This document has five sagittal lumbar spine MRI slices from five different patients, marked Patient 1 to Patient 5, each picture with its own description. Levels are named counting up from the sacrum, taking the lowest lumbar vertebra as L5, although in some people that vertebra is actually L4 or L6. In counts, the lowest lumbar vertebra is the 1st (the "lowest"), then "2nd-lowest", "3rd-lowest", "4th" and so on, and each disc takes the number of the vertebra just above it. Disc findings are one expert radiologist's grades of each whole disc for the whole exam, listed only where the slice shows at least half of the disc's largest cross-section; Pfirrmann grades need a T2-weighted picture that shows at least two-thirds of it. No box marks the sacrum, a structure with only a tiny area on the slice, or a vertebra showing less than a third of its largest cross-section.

Patient 1 of 5:
T2 SPACE (3D) sagittal MRI of the lumbar spine, Sex F
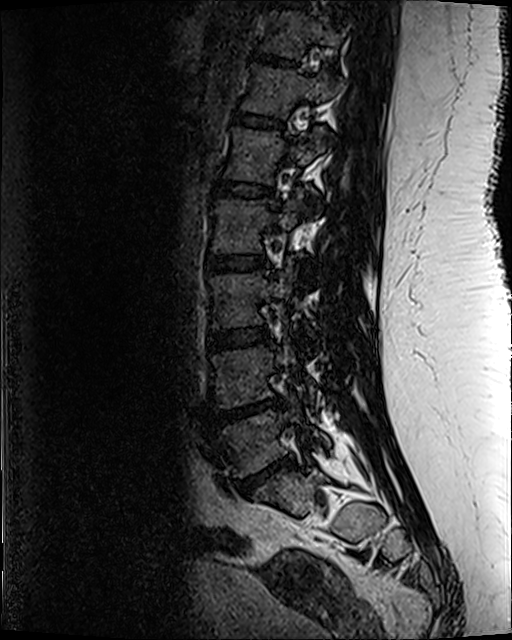

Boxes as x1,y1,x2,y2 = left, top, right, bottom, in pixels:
- L4 vertebra: 213,339,317,410
- L3/L4: 209,328,269,350
- IVD L2/L3: 208,256,266,272
- L2: 212,192,316,252
- T12 vertebra: 243,65,343,116
- T11/T12: 255,55,286,63
- T12/L1: 235,112,282,127
- T10/T11: 271,0,305,8
- T11 vertebra: 263,11,345,57
- L4/L5: 219,401,278,422
- L1 vertebra: 224,128,331,184
- IVD L1/L2: 214,182,269,197
- L3 vertebra: 211,260,312,334
- IVD L5/S1: 239,460,292,491
- L5 vertebra: 213,401,330,475

Degenerative findings by level:
- L2/L3: Pfirrmann grade 3, upper-endplate change, lower-endplate change
- T12/L1: Pfirrmann grade 3
- L5/S1: Modic type II, upper-endplate change, disc narrowing, disc herniation, lower-endplate change
- L1/L2: Pfirrmann grade 3, lower-endplate change
- L3/L4: Pfirrmann grade 3

Patient 2 of 5:
Sagittal T1-weighted lumbar spine MRI, Field of view 300x301 mm

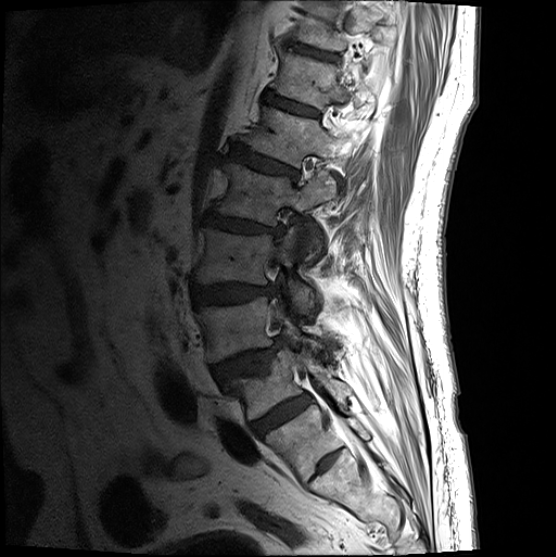
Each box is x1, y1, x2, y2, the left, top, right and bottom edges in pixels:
5th vertebra at 244, 109, 356, 169.
5th disc at 230, 148, 299, 181.
4th disc at 203, 213, 284, 238.
Lowest disc at 250, 396, 311, 438.
7th disc at 300, 48, 337, 62.
4th vertebra at 215, 164, 338, 263.
3rd-lowest disc at 192, 286, 275, 306.
3rd-lowest vertebra at 193, 229, 314, 314.
Lowest vertebra at 227, 349, 349, 422.
2nd-lowest disc at 213, 338, 286, 386.
2nd-lowest vertebra at 196, 299, 322, 364.
6th vertebra at 277, 56, 372, 111.
6th disc at 266, 96, 319, 118.

Radiological gradings:
- 7th disc: lower-endplate change
- 2nd-lowest disc: spondylolisthesis, disc herniation, upper-endplate change
- 3rd-lowest disc: disc bulging
- 4th disc: upper-endplate change, disc bulging, disc narrowing, lower-endplate change
- 5th disc: upper-endplate change, disc bulging, lower-endplate change
- lowest disc, 6th disc: no herniation, bulging, narrowing, spondylolisthesis, endplate or Modic change recorded

Patient 3 of 5:
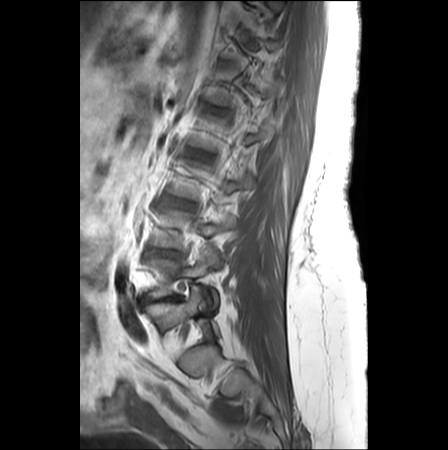 Sex F, MRI lumbar spine (T1-weighted), sagittal plane, Field of view 280x282 mm, slice spacing 3.3 mm
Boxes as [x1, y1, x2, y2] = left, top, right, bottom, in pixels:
L4/L5 (2nd-lowest disc): [146, 248, 178, 256]
IVD L3/L4 (3rd-lowest disc): [163, 196, 193, 206]
L2/L3 (4th disc): [189, 151, 208, 159]
L5/S1 (lowest disc): [137, 294, 180, 304]
L4 (2nd-lowest vertebra): [152, 211, 234, 248]
L5 (lowest vertebra): [139, 250, 221, 307]

Per-level radiological findings:
- L5/S1 (lowest disc): disc narrowing, disc bulging, spondylolisthesis, Modic type II

Patient 4 of 5:
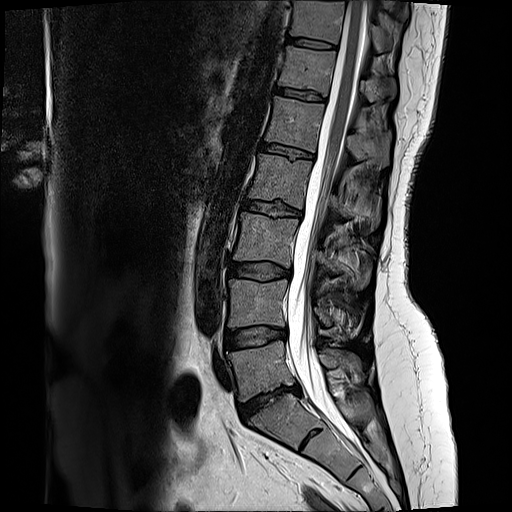 Slice 8/17; T2-weighted sagittal MRI of the lumbar spine
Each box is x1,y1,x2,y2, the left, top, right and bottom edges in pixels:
{"L4 vertebra": "228,280,357,338", "L5": "229,342,361,399", "T11": "292,1,385,50", "disc L4/L5": "225,328,285,350", "spinal canal": "286,1,366,441", "L3": "233,214,370,290", "L2/L3": "243,199,301,216", "L1": "266,97,392,168", "L1/L2": "262,143,313,158", "L3/L4": "230,263,290,279", "T11/T12": "288,39,334,49", "T12/L1": "277,87,325,102", "L5/S1": "238,388,301,422", "T12 vertebra": "279,46,397,101", "L2": "247,154,381,232"}

Expert MSK radiologist gradings (per disc):
• L4/L5: Pfirrmann grade 2, disc bulging
• L3/L4: Pfirrmann grade 2, disc bulging
• T12/L1: Pfirrmann grade 2, lower-endplate change, upper-endplate change
• T11/T12: Pfirrmann grade 2
• L1/L2: Pfirrmann grade 2, upper-endplate change, lower-endplate change
• L2/L3: Pfirrmann grade 4, disc bulging, upper-endplate change, lower-endplate change
• L5/S1: Pfirrmann grade 1, disc narrowing, disc bulging, disc herniation

Patient 5 of 5:
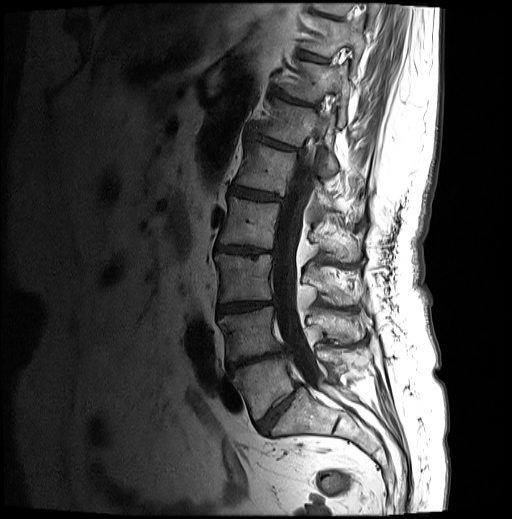 Image 512x519, Sagittal T1-weighted lumbar spine MRI, Sagittal slice index 13

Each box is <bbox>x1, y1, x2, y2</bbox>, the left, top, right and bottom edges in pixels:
lowest vertebra: <bbox>233, 348, 365, 419</bbox> | 5th disc: <bbox>230, 187, 283, 200</bbox> | 4th vertebra: <bbox>219, 197, 362, 261</bbox> | 9th vertebra: <bbox>312, 3, 379, 19</bbox> | 8th vertebra: <bbox>301, 16, 365, 60</bbox> | 7th vertebra: <bbox>281, 61, 353, 126</bbox> | 7th disc: <bbox>274, 89, 316, 107</bbox> | 2nd-lowest disc: <bbox>228, 350, 286, 371</bbox> | 5th vertebra: <bbox>235, 143, 359, 219</bbox> | 2nd-lowest vertebra: <bbox>219, 306, 371, 361</bbox> | lowest disc: <bbox>257, 383, 300, 434</bbox> | 8th disc: <bbox>299, 51, 327, 62</bbox> | thecal sac / spinal canal: <bbox>273, 114, 341, 400</bbox> | 6th disc: <bbox>246, 127, 301, 152</bbox> | 4th disc: <bbox>216, 245, 274, 254</bbox> | 3rd-lowest vertebra: <bbox>215, 254, 360, 305</bbox> | 6th vertebra: <bbox>258, 98, 338, 174</bbox> | 3rd-lowest disc: <bbox>218, 300, 273, 314</bbox>

Expert MSK radiologist gradings (per disc):
• 4th disc: upper-endplate change, disc narrowing, Modic type II, lower-endplate change, disc bulging
• 2nd-lowest disc: lower-endplate change, disc bulging, upper-endplate change, Modic type II, disc narrowing
• 3rd-lowest disc: lower-endplate change, Modic type II, disc bulging, upper-endplate change, disc narrowing
• 8th disc: lower-endplate change, Modic type II, upper-endplate change
• 5th disc: disc bulging, disc narrowing, upper-endplate change, lower-endplate change, Modic type II
• 6th disc: lower-endplate change, upper-endplate change, Modic type II, disc narrowing, disc bulging
• 7th disc: disc bulging, lower-endplate change, disc narrowing, Modic type II, upper-endplate change
• lowest disc: disc narrowing, disc bulging